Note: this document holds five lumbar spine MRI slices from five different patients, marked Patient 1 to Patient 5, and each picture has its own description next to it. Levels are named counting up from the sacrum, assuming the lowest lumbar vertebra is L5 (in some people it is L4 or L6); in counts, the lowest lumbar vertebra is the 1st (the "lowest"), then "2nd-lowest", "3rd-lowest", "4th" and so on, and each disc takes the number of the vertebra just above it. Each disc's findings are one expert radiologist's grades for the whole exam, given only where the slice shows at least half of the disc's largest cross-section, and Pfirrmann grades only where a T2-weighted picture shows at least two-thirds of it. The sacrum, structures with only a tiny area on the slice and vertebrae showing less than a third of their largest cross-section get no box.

Patient 1 of 5:
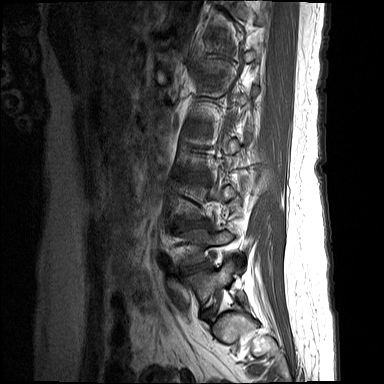
Sex F. MRI lumbar spine (T1-weighted), sagittal plane.

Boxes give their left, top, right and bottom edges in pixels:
Lowest disc at left=201, top=309, right=214, bottom=319; lowest vertebra at left=184, top=260, right=233, bottom=308; 3rd-lowest disc at left=177, top=219, right=209, bottom=228; 2nd-lowest vertebra at left=182, top=229, right=233, bottom=264; 2nd-lowest disc at left=180, top=262, right=210, bottom=274; 4th disc at left=184, top=175, right=202, bottom=180.

Radiological gradings:
  3rd-lowest disc: disc bulging, upper-endplate change

Patient 2 of 5:
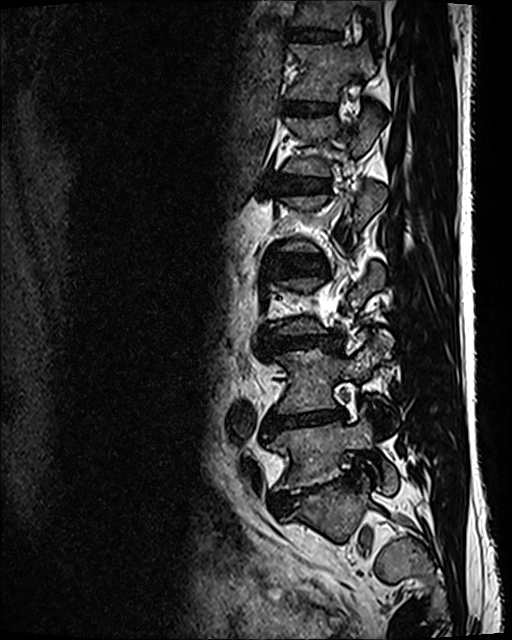
Lumbar spine MR, T2 SPACE (3D), sagittal. 512x640 px. Field of view 240x300 mm.

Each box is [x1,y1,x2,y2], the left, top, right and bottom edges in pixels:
6th vertebra: [286,42,376,101].
2nd-lowest vertebra: [276,332,391,413].
7th vertebra: [290,0,383,44].
5th vertebra: [284,108,380,177].
2nd-lowest disc: [269,410,346,430].
Lowest vertebra: [268,406,397,493].
5th disc: [275,176,328,192].
4th disc: [276,256,319,272].
Lowest disc: [271,481,332,512].
6th disc: [284,100,334,115].
3rd-lowest disc: [265,335,326,349].
7th disc: [285,28,340,42].

Radiological gradings:
- 2nd-lowest disc: Pfirrmann grade 5, lower-endplate change, disc narrowing, disc bulging, Modic type II
- 6th disc: Pfirrmann grade 2
- 7th disc, 5th disc: no herniation, bulging, narrowing, spondylolisthesis, endplate or Modic change recorded

Patient 3 of 5:
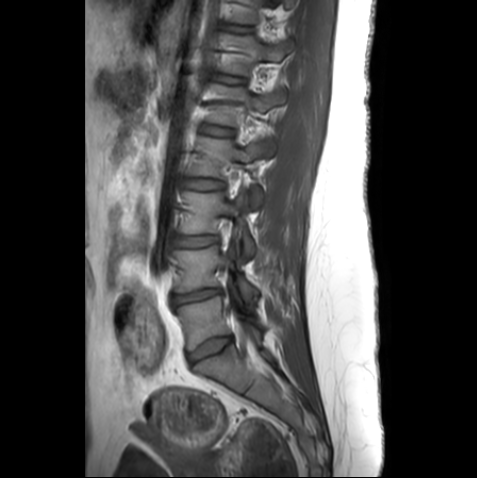

Slice spacing 3.3 mm; Image 477x478; T1-weighted sagittal MRI of the lumbar spine; Slice 9 of 25
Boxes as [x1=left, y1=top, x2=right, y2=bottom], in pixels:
L1: [x1=209, y1=85, x2=285, y2=156]
intervertebral disc L3/L4: [x1=176, y1=235, x2=218, y2=246]
T12 vertebra: [x1=220, y1=34, x2=293, y2=74]
L5 vertebra: [x1=177, y1=296, x2=262, y2=349]
L3 vertebra: [x1=181, y1=192, x2=254, y2=256]
intervertebral disc L5/S1: [x1=189, y1=337, x2=232, y2=363]
L2: [x1=189, y1=137, x2=264, y2=208]
spinal canal: [x1=236, y1=321, x2=248, y2=345]
L4/L5: [x1=172, y1=288, x2=222, y2=304]
intervertebral disc T12/L1: [x1=211, y1=73, x2=244, y2=83]
L1/L2: [x1=200, y1=124, x2=232, y2=135]
intervertebral disc T11/T12: [x1=220, y1=23, x2=249, y2=32]
intervertebral disc L2/L3: [x1=182, y1=178, x2=222, y2=189]
L4: [x1=175, y1=246, x2=256, y2=300]

Per-level radiological findings:
• L4/L5: disc narrowing, disc bulging
• L1/L2, L5/S1, T11/T12, T12/L1, L3/L4, L2/L3: no herniation, bulging, narrowing, spondylolisthesis, endplate or Modic change recorded

Patient 4 of 5:
Field of view 280x280 mm, slice spacing 3.3 mm | Sagittal T1-weighted lumbar spine MRI | Slice 12/24 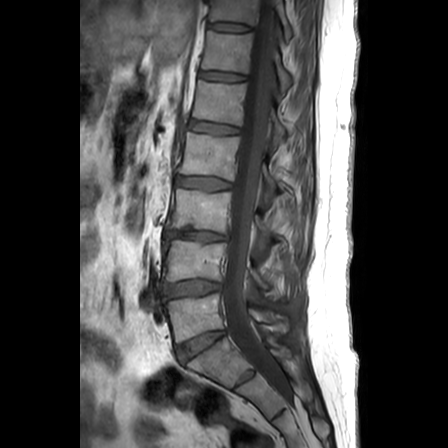 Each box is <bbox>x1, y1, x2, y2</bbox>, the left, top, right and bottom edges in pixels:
7th disc at <bbox>209, 22, 249, 31</bbox>.
7th vertebra at <bbox>210, 0, 292, 38</bbox>.
5th disc at <bbox>190, 120, 239, 133</bbox>.
Lowest disc at <bbox>178, 331, 225, 361</bbox>.
2nd-lowest disc at <bbox>166, 280, 222, 296</bbox>.
6th disc at <bbox>200, 71, 244, 81</bbox>.
5th vertebra at <bbox>194, 80, 286, 141</bbox>.
Thecal sac / spinal canal at <bbox>223, 0, 282, 384</bbox>.
4th disc at <bbox>177, 175, 231, 189</bbox>.
2nd-lowest vertebra at <bbox>165, 240, 281, 298</bbox>.
6th vertebra at <bbox>202, 31, 292, 90</bbox>.
3rd-lowest vertebra at <bbox>168, 188, 273, 254</bbox>.
Lowest vertebra at <bbox>165, 293, 289, 342</bbox>.
3rd-lowest disc at <bbox>167, 231, 227, 240</bbox>.
4th vertebra at <bbox>181, 132, 279, 204</bbox>.

Per-level radiological findings:
  3rd-lowest disc: disc narrowing, Modic type II, disc herniation, upper-endplate change, lower-endplate change
  2nd-lowest disc: disc bulging
  lowest disc, 6th disc, 7th disc, 5th disc, 4th disc: no Modic or endplate change, herniation, narrowing, bulging or spondylolisthesis recorded

Patient 5 of 5:
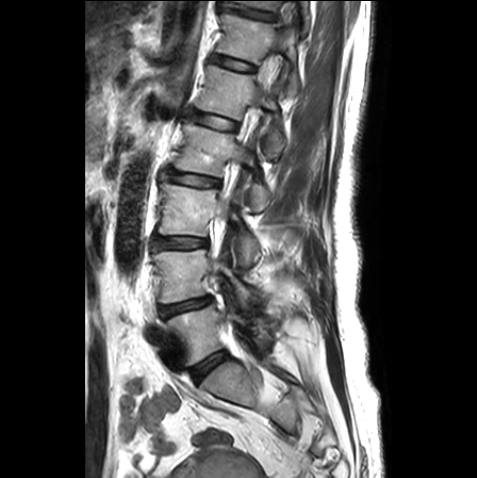 Slice 17/25; Image 477x478; Slice spacing 3.3 mm; MRI lumbar spine (T2-weighted), sagittal plane
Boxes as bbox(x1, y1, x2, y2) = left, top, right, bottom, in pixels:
6th disc: bbox(211, 54, 256, 72)
6th vertebra: bbox(216, 12, 299, 96)
lowest disc: bbox(191, 351, 226, 382)
3rd-lowest vertebra: bbox(159, 175, 259, 265)
spinal canal: bbox(212, 66, 273, 258)
5th disc: bbox(189, 110, 237, 130)
lowest vertebra: bbox(167, 302, 270, 365)
4th vertebra: bbox(174, 119, 269, 212)
2nd-lowest disc: bbox(160, 296, 212, 317)
7th vertebra: bbox(227, 0, 310, 28)
5th vertebra: bbox(196, 65, 285, 157)
7th disc: bbox(221, 5, 276, 21)
4th disc: bbox(166, 169, 219, 186)
2nd-lowest vertebra: bbox(152, 249, 257, 306)
3rd-lowest disc: bbox(153, 236, 207, 248)

Per-level radiological findings:
- 3rd-lowest disc: Pfirrmann grade 2, disc bulging, disc narrowing
- 6th disc: Pfirrmann grade 1, lower-endplate change, upper-endplate change
- 4th disc: Pfirrmann grade 2, lower-endplate change, disc bulging, upper-endplate change
- 2nd-lowest disc: Pfirrmann grade 3, disc bulging, upper-endplate change, lower-endplate change, disc narrowing
- 5th disc: Pfirrmann grade 1, upper-endplate change, lower-endplate change
- 7th disc: Pfirrmann grade 1, lower-endplate change, disc narrowing, upper-endplate change
- lowest disc: no herniation, bulging, narrowing, spondylolisthesis, endplate or Modic change recorded